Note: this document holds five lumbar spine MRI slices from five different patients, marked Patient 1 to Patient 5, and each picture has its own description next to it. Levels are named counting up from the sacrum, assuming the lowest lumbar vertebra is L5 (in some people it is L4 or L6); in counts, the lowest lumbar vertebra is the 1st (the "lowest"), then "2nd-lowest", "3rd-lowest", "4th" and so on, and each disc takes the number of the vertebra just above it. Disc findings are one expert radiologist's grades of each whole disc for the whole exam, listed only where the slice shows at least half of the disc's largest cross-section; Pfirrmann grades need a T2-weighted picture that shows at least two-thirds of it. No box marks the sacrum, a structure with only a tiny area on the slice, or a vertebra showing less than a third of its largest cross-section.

Patient 1 of 5:
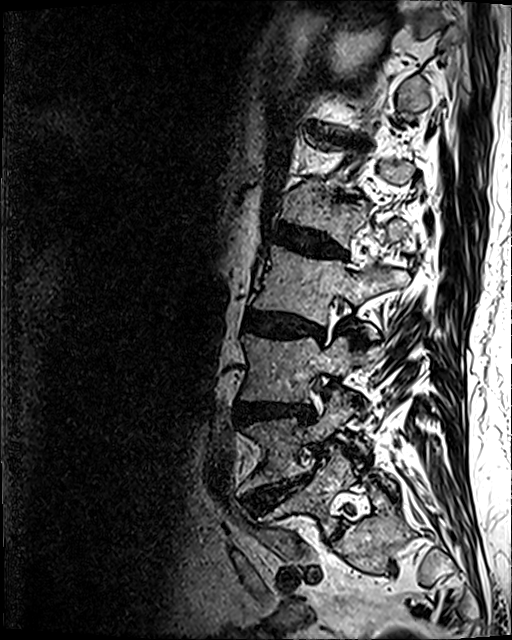 T2 SPACE (3D) sagittal MRI of the lumbar spine.

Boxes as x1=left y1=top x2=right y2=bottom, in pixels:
L4/L5 (2nd-lowest disc) = x1=244 y1=474 x2=311 y2=511 | L5 (lowest vertebra) = x1=272 y1=452 x2=361 y2=534 | intervertebral disc L3/L4 (3rd-lowest disc) = x1=241 y1=403 x2=312 y2=422 | L1/L2 (5th disc) = x1=270 y1=224 x2=345 y2=258 | L2/L3 (4th disc) = x1=244 y1=311 x2=323 y2=338 | L1 (5th vertebra) = x1=281 y1=185 x2=408 y2=246 | L2 (4th vertebra) = x1=253 y1=244 x2=409 y2=324 | L4 (2nd-lowest vertebra) = x1=240 y1=391 x2=360 y2=491 | L3 (3rd-lowest vertebra) = x1=242 y1=325 x2=379 y2=402

Expert MSK radiologist gradings (per disc):
- L4/L5 (2nd-lowest disc): Pfirrmann grade 5, disc bulging, upper-endplate change, disc herniation, Modic type II, disc narrowing, lower-endplate change
- L1/L2 (5th disc): Pfirrmann grade 4, lower-endplate change, disc narrowing, disc bulging, upper-endplate change
- L2/L3 (4th disc): Pfirrmann grade 4, disc narrowing, lower-endplate change, disc bulging, Modic type II, upper-endplate change
- L3/L4 (3rd-lowest disc): Pfirrmann grade 4, upper-endplate change, disc narrowing, lower-endplate change, disc bulging

Patient 2 of 5:
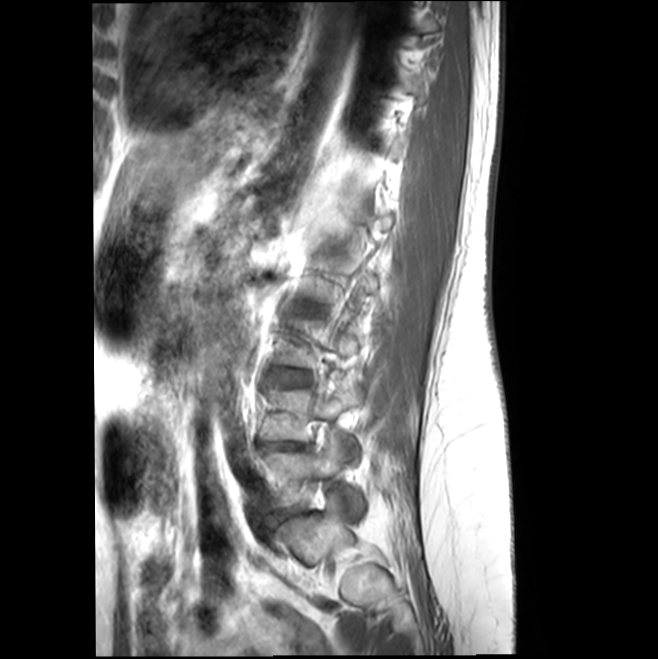 Slice 14/18, Field of view 308x308 mm, slice spacing 4.4 mm, Sex F, T1-weighted sagittal MRI of the lumbar spine
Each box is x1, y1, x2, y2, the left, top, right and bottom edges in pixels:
L5 vertebra — 263, 431, 363, 512.
L3/L4 — 282, 373, 308, 384.
L4/L5 — 260, 442, 301, 450.
L4 — 259, 385, 363, 458.

Patient 3 of 5:
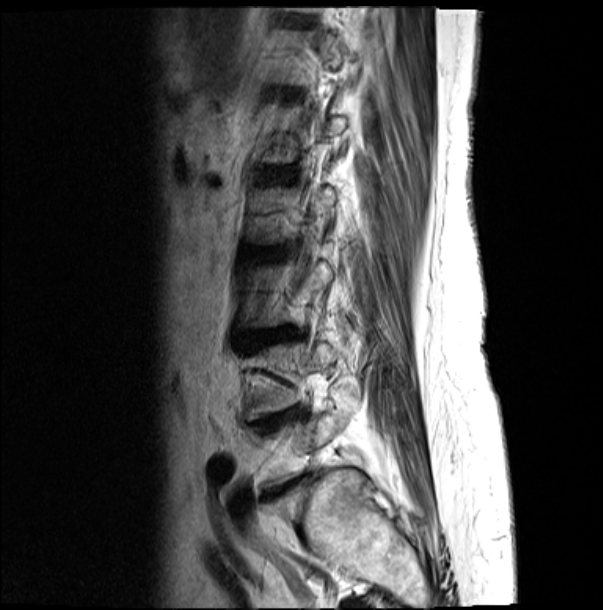
Sagittal T2-weighted lumbar spine MRI

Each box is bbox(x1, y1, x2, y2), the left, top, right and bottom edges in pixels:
Disc L3/L4 at bbox(254, 328, 299, 342).
L4/L5 at bbox(259, 410, 302, 430).
L5 at bbox(265, 388, 360, 487).
Disc L1/L2 at bbox(265, 169, 288, 181).

Patient 4 of 5:
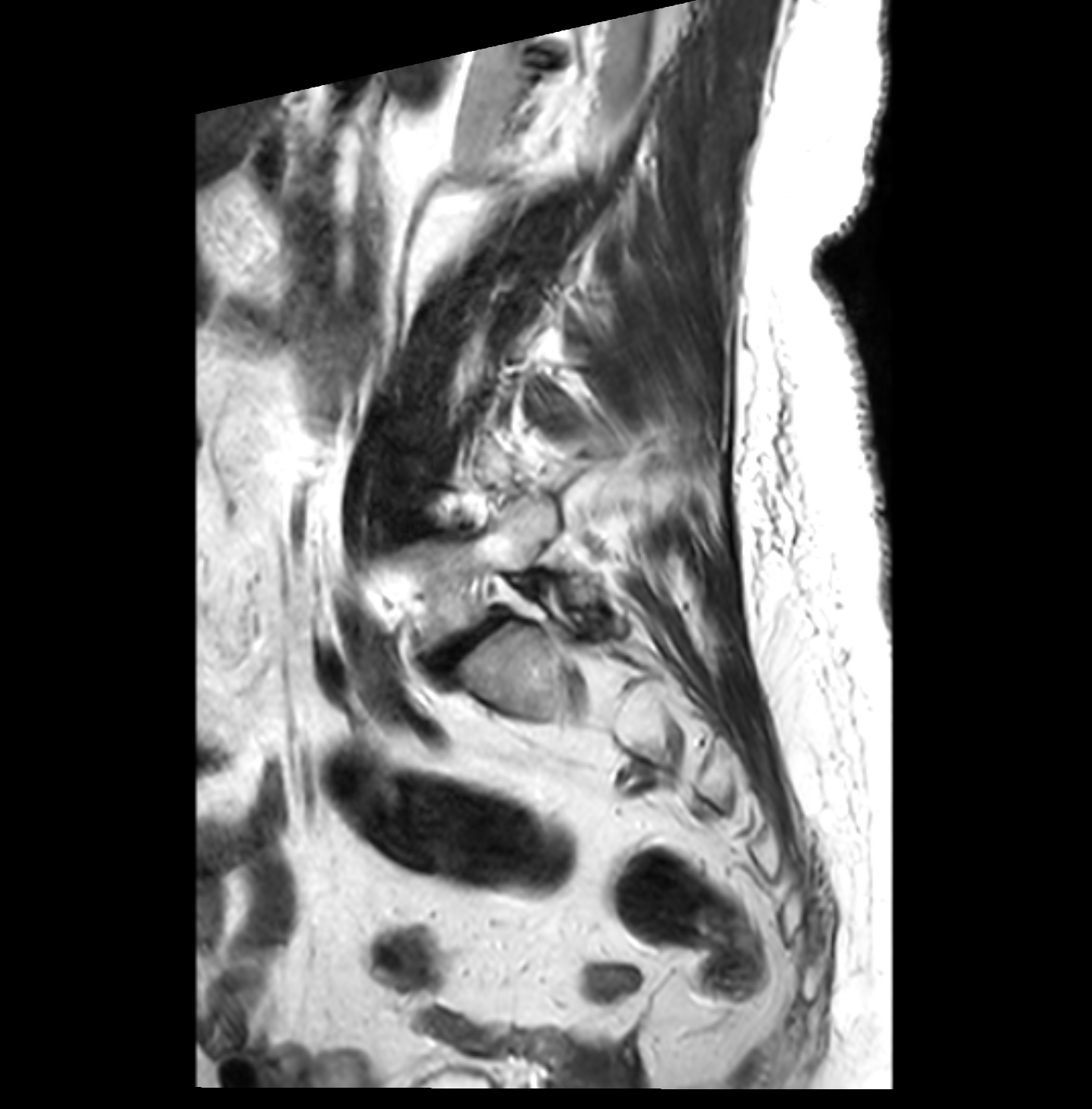

Image 1092x1109, Sagittal slice index 11, T2-weighted sagittal MRI of the lumbar spine

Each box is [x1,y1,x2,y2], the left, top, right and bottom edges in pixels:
{"L5/S1": "[433,613,502,668]", "L5 vertebra": "[407,499,603,645]"}

Patient 5 of 5:
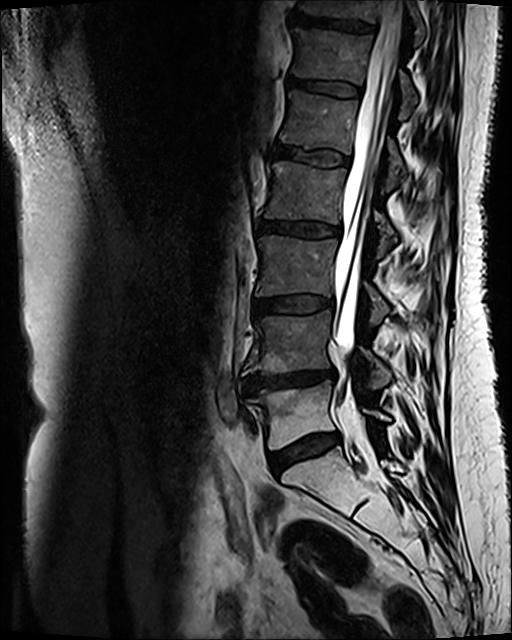
MRI lumbar spine (T2 SPACE (3D)), sagittal plane
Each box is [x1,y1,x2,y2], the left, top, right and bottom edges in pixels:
Intervertebral disc L4/L5 = [242,369,333,393].
Intervertebral disc T11/T12 = [292,14,372,30].
L4 vertebra = [243,311,390,389].
L2 vertebra = [266,162,436,255].
T11 = [299,0,425,44].
Intervertebral disc L5/S1 = [270,433,339,474].
L2/L3 = [257,222,340,236].
Intervertebral disc L1/L2 = [271,145,348,166].
L1 = [280,91,405,190].
L5 vertebra = [250,381,389,449].
Spinal canal = [333,1,405,347].
L3 = [256,235,388,323].
T12/L1 = [287,78,360,96].
T12 = [292,28,416,118].
L3/L4 = [254,296,332,313].

Degenerative findings by level:
• L1/L2: Pfirrmann grade 3, Modic type II
• L4/L5: Pfirrmann grade 4, Modic type II, disc narrowing, disc bulging, lower-endplate change, upper-endplate change
• L3/L4: Pfirrmann grade 3, Modic type II, disc bulging
• L2/L3: Pfirrmann grade 3, Modic type II, disc bulging
• L5/S1: Pfirrmann grade 3, disc bulging, Modic type II
• T11/T12: Pfirrmann grade 4, lower-endplate change, upper-endplate change, Modic type II
• T12/L1: Pfirrmann grade 3, Modic type II